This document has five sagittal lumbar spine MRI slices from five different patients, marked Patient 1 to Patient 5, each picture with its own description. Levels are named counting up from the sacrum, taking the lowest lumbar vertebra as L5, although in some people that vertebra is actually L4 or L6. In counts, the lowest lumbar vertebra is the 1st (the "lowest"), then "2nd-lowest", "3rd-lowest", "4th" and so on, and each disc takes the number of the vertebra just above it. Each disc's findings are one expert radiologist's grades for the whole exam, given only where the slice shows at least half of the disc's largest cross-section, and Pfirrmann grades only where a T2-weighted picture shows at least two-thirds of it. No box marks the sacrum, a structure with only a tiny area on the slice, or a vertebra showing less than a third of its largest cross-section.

Patient 1 of 5:
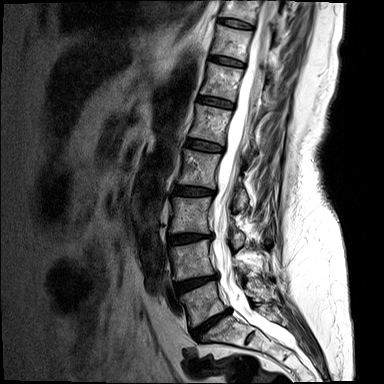 Image 384x384, MRI lumbar spine (T2-weighted), sagittal plane
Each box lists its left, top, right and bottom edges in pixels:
L4 (2nd-lowest vertebra) at left=169, top=240, right=247, bottom=280.
T10/T11 (8th disc) at left=219, top=18, right=252, bottom=28.
T11 (7th vertebra) at left=211, top=24, right=281, bottom=76.
T12 (6th vertebra) at left=201, top=62, right=266, bottom=111.
L5 (lowest vertebra) at left=179, top=281, right=270, bottom=327.
L3/L4 (3rd-lowest disc) at left=168, top=233, right=213, bottom=245.
T10 (8th vertebra) at left=221, top=0, right=280, bottom=31.
Disc L4/L5 (2nd-lowest disc) at left=174, top=274, right=216, bottom=293.
Disc T12/L1 (6th disc) at left=199, top=96, right=233, bottom=108.
L2 (4th vertebra) at left=178, top=149, right=248, bottom=209.
L3 (3rd-lowest vertebra) at left=168, top=197, right=244, bottom=248.
Disc T11/T12 (7th disc) at left=210, top=55, right=243, bottom=66.
Disc L5/S1 (lowest disc) at left=191, top=308, right=229, bottom=339.
Disc L1/L2 (5th disc) at left=186, top=139, right=222, bottom=151.
Disc L2/L3 (4th disc) at left=173, top=186, right=213, bottom=196.
L1 (5th vertebra) at left=190, top=104, right=258, bottom=152.
Thecal sac / spinal canal at left=213, top=0, right=288, bottom=346.

Radiological gradings:
- L1/L2 (5th disc): Pfirrmann grade 3, Modic type II
- L3/L4 (3rd-lowest disc): Pfirrmann grade 4, disc bulging, disc narrowing
- T10/T11 (8th disc): Pfirrmann grade 2
- L5/S1 (lowest disc): Pfirrmann grade 5, disc bulging, Modic type II, disc narrowing
- L2/L3 (4th disc): Pfirrmann grade 3, Modic type II, disc bulging
- T11/T12 (7th disc): Pfirrmann grade 3
- T12/L1 (6th disc): Pfirrmann grade 3
- L4/L5 (2nd-lowest disc): Pfirrmann grade 4, disc bulging, disc narrowing

Patient 2 of 5:
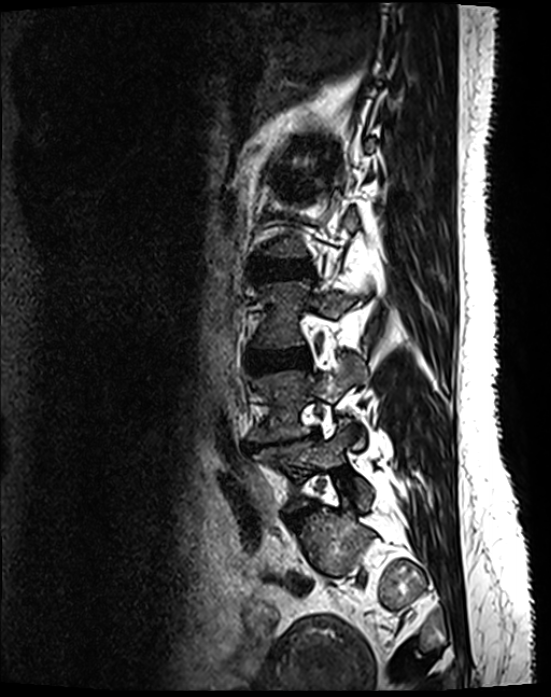 Lumbar spine MR, T2 SPACE (3D), sagittal
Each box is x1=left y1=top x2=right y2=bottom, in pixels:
• lowest disc at x1=287 y1=501 x2=315 y2=520
• 4th disc at x1=265 y1=262 x2=312 y2=277
• 2nd-lowest vertebra at x1=248 y1=358 x2=366 y2=441
• lowest vertebra at x1=253 y1=419 x2=371 y2=509
• 3rd-lowest disc at x1=255 y1=348 x2=308 y2=368
• 3rd-lowest vertebra at x1=257 y1=282 x2=353 y2=347
• 2nd-lowest disc at x1=244 y1=433 x2=318 y2=449

Degenerative findings by level:
• 3rd-lowest disc: no spondylolisthesis, narrowing, bulging, herniation, Modic or endplate change recorded

Patient 3 of 5:
Image 477x478; Sagittal slice index 5; T1-weighted sagittal MRI of the lumbar spine; Philips Healthcare Ingenia (3T) 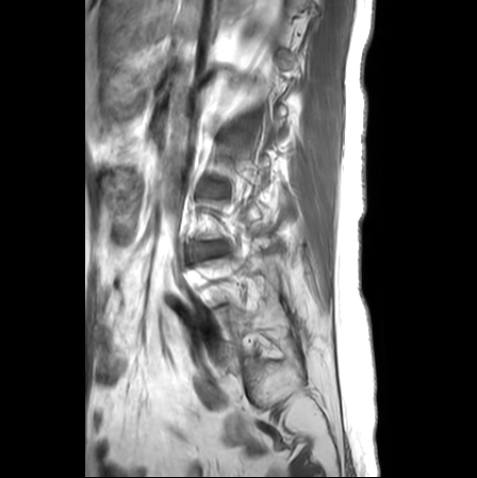 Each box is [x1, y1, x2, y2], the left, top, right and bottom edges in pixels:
IVD L2/L3: [199, 183, 227, 196]
L5 vertebra: [215, 305, 286, 364]
L3/L4: [199, 242, 226, 256]

Patient 4 of 5:
Slice 3 of 17, Slice spacing 4.4 mm, Lumbar spine MR, T1-weighted, sagittal, Patient sex: M

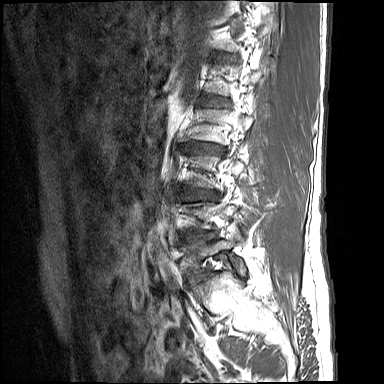 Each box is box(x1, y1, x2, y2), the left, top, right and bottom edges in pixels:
{"L1/L2": "box(203, 95, 228, 105)", "L5": "box(182, 231, 241, 275)", "L4/L5": "box(183, 234, 199, 240)", "intervertebral disc L2/L3": "box(185, 141, 222, 151)", "intervertebral disc L3/L4": "box(185, 189, 215, 199)"}

Per-level radiological findings:
  L2/L3: lower-endplate change, upper-endplate change, disc bulging, disc narrowing

Patient 5 of 5:
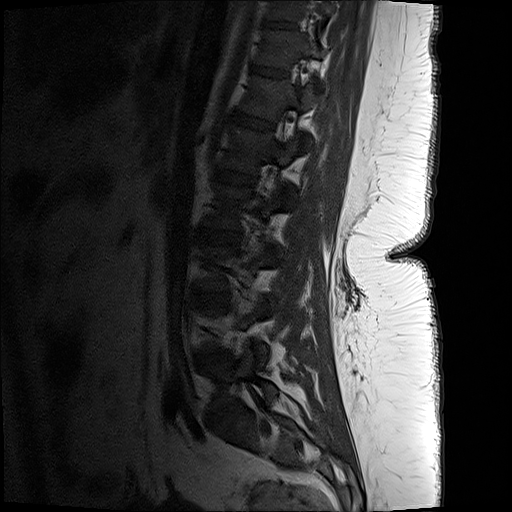
T1-weighted sagittal MRI of the lumbar spine | Patient sex: F | Image 512x512 | Slice 13/17

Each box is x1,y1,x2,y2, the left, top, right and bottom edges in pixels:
{"L4/L5": "198,350,233,364", "T12 vertebra": "241,74,316,118", "intervertebral disc T11/T12": "250,62,290,76", "L1": "219,122,299,173", "intervertebral disc L3/L4": "194,291,231,304", "T12/L1": "229,109,277,130", "T11 vertebra": "256,29,320,66", "intervertebral disc T10/T11": "266,20,296,28", "L5/S1": "210,399,242,424", "L2/L3": "200,226,242,245", "L2 vertebra": "209,181,281,254", "L5 vertebra": "210,342,278,409", "intervertebral disc L1/L2": "212,168,258,184", "T10": "267,0,331,21"}

Per-level radiological findings:
• L2/L3, T10/T11, L1/L2, T11/T12, T12/L1: no Modic or endplate change, herniation, narrowing, bulging or spondylolisthesis recorded